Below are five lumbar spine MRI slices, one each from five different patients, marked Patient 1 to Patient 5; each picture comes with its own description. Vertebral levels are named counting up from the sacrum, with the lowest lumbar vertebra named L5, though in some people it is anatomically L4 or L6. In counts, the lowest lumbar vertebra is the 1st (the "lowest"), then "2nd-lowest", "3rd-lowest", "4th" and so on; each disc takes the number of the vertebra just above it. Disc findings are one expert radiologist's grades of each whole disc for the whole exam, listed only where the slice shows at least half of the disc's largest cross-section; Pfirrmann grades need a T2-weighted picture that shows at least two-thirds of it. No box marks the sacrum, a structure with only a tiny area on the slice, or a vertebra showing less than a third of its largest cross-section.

Patient 1 of 5:
Image 512x640, Slice 40 of 120, Slice spacing 0.9 mm, MRI lumbar spine (T2 SPACE (3D)), sagittal plane, Sex F
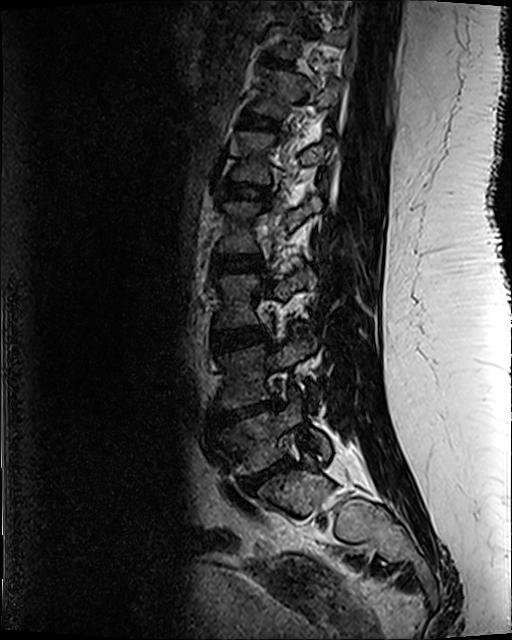

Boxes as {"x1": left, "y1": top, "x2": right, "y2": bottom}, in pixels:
intervertebral disc L2/L3 (4th disc): {"x1": 214, "y1": 256, "x2": 260, "y2": 273} | L1/L2 (5th disc): {"x1": 219, "y1": 184, "x2": 266, "y2": 198} | T12 (6th vertebra): {"x1": 257, "y1": 70, "x2": 339, "y2": 115} | L1 (5th vertebra): {"x1": 233, "y1": 132, "x2": 332, "y2": 184} | intervertebral disc L5/S1 (lowest disc): {"x1": 244, "y1": 461, "x2": 292, "y2": 487} | L2 (4th vertebra): {"x1": 221, "y1": 198, "x2": 320, "y2": 252} | L5 (lowest vertebra): {"x1": 219, "y1": 389, "x2": 330, "y2": 472} | L3 (3rd-lowest vertebra): {"x1": 218, "y1": 271, "x2": 315, "y2": 326} | intervertebral disc T12/L1 (6th disc): {"x1": 246, "y1": 117, "x2": 273, "y2": 126} | intervertebral disc L4/L5 (2nd-lowest disc): {"x1": 219, "y1": 403, "x2": 278, "y2": 421} | L3/L4 (3rd-lowest disc): {"x1": 212, "y1": 328, "x2": 267, "y2": 350} | L4 (2nd-lowest vertebra): {"x1": 221, "y1": 333, "x2": 316, "y2": 407}

Expert MSK radiologist gradings (per disc):
  L1/L2 (5th disc): Pfirrmann grade 3, lower-endplate change
  L5/S1 (lowest disc): disc narrowing, lower-endplate change, upper-endplate change, Modic type II, disc herniation
  L3/L4 (3rd-lowest disc): Pfirrmann grade 3
  L2/L3 (4th disc): Pfirrmann grade 3, upper-endplate change, lower-endplate change

Patient 2 of 5:
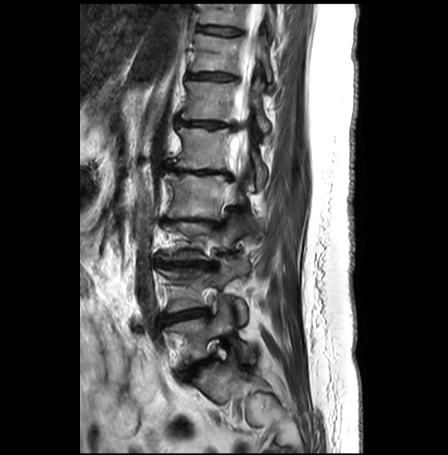
Sagittal T2-weighted lumbar spine MRI, Sex F

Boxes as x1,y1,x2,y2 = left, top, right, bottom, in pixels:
Thecal sac / spinal canal at 225,4,264,200; T12 at 181,79,269,132; L1 at 170,127,266,187; L2/L3 at 164,219,220,226; L3 at 159,218,247,259; T11 at 192,33,271,81; T10 at 199,4,275,36; intervertebral disc L1/L2 at 165,165,232,180; intervertebral disc L4/L5 at 163,309,207,322; intervertebral disc L3/L4 at 157,260,215,269; L5/S1 at 191,357,212,369; L5 vertebra at 166,300,251,362; L2 at 164,173,254,226; L4 at 158,255,248,322; intervertebral disc T10/T11 at 198,26,240,35; T11/T12 at 189,73,233,80; intervertebral disc T12/L1 at 177,119,231,127.

Radiological gradings:
• T10/T11: Pfirrmann grade 1
• T12/L1: Pfirrmann grade 4, Modic type II, lower-endplate change, upper-endplate change, disc bulging, disc narrowing
• L3/L4: disc bulging, Modic type II, lower-endplate change, upper-endplate change, disc narrowing
• T11/T12: Pfirrmann grade 2, disc bulging
• L1/L2: upper-endplate change, disc narrowing, lower-endplate change, Modic type II, disc bulging
• L4/L5: disc bulging, disc herniation, Modic type II, lower-endplate change, upper-endplate change, disc narrowing

Patient 3 of 5:
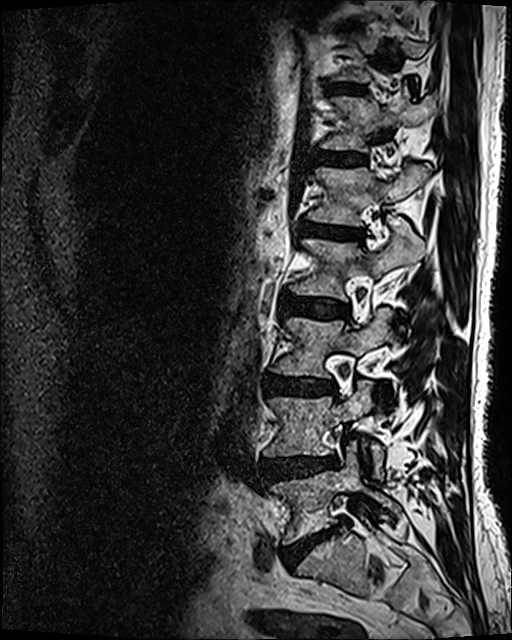
Sex M | Sagittal T2 SPACE (3D) lumbar spine MRI
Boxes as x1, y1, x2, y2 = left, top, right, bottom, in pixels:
{"6th disc": "318, 153, 364, 165", "3rd-lowest vertebra": "272, 307, 395, 376", "6th vertebra": "321, 87, 433, 152", "4th disc": "281, 293, 348, 320", "2nd-lowest vertebra": "264, 381, 383, 477", "5th disc": "300, 221, 363, 240", "lowest disc": "280, 520, 346, 568", "3rd-lowest disc": "263, 374, 335, 394", "lowest vertebra": "271, 452, 400, 543", "4th vertebra": "290, 232, 424, 301", "2nd-lowest disc": "261, 454, 336, 483", "5th vertebra": "307, 163, 430, 226", "7th disc": "326, 84, 364, 92"}

Per-level radiological findings:
• 5th disc: Pfirrmann grade 4, disc bulging, disc narrowing, lower-endplate change, upper-endplate change, Modic type II
• 4th disc: Pfirrmann grade 3, disc bulging
• 3rd-lowest disc: Pfirrmann grade 4, Modic type II, disc bulging, disc narrowing, lower-endplate change
• 2nd-lowest disc: disc bulging, disc herniation
• 6th disc: no Modic or endplate change, herniation, narrowing, bulging or spondylolisthesis recorded

Patient 4 of 5:
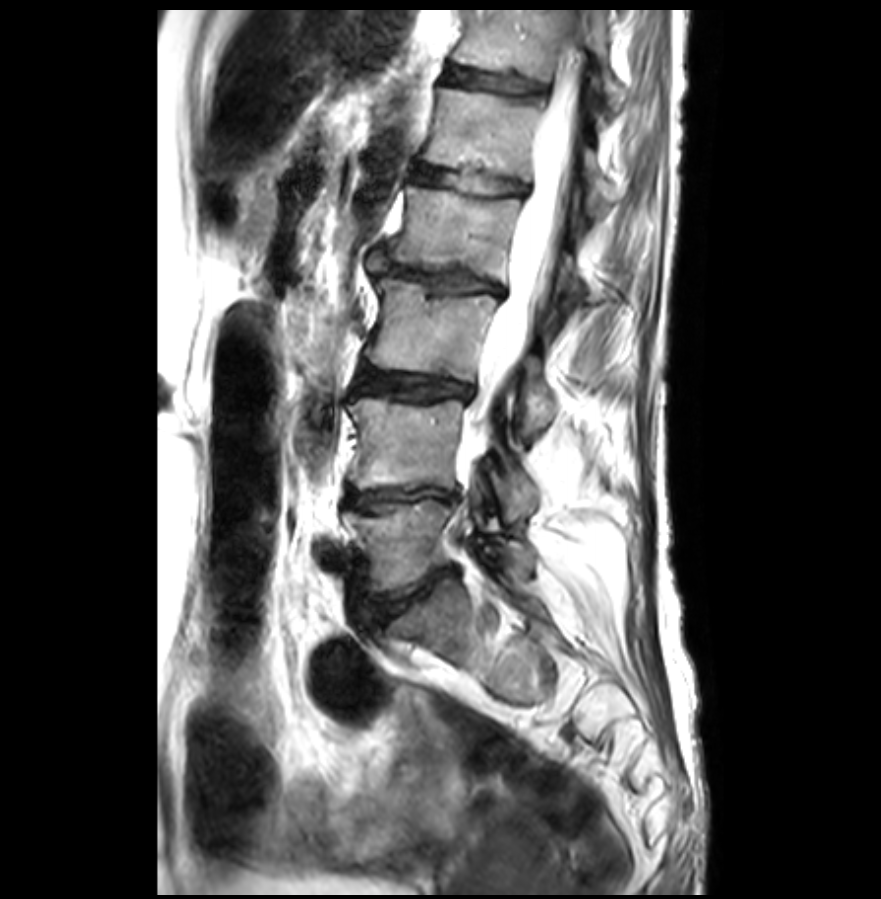

Slice 19/31, Image 881x899, MRI lumbar spine (T2-weighted), sagittal plane

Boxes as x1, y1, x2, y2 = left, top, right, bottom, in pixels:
Lowest disc at 372, 568, 455, 619; 4th vertebra at 387, 187, 587, 314; 3rd-lowest vertebra at 366, 275, 556, 435; spinal canal at 466, 58, 581, 428; lowest vertebra at 344, 498, 536, 592; 2nd-lowest vertebra at 348, 396, 536, 519; 5th vertebra at 425, 88, 619, 215; 6th disc at 446, 67, 548, 95; 4th disc at 368, 248, 501, 292; 3rd-lowest disc at 360, 368, 469, 399; 6th vertebra at 452, 9, 626, 110; 2nd-lowest disc at 344, 487, 457, 509; 5th disc at 417, 168, 526, 195.

Expert MSK radiologist gradings (per disc):
- 3rd-lowest disc: Pfirrmann grade 3, disc bulging, Modic type II
- 2nd-lowest disc: Pfirrmann grade 5, Modic type II, disc bulging, disc narrowing
- 6th disc: Pfirrmann grade 2, lower-endplate change, upper-endplate change
- 4th disc: Pfirrmann grade 5, disc herniation, upper-endplate change, lower-endplate change, Modic type II, disc narrowing, disc bulging
- 5th disc: Pfirrmann grade 2, Modic type II, lower-endplate change, upper-endplate change

Patient 5 of 5:
427x424 px. Slice 7/30. MRI lumbar spine (T2-weighted), sagittal plane.
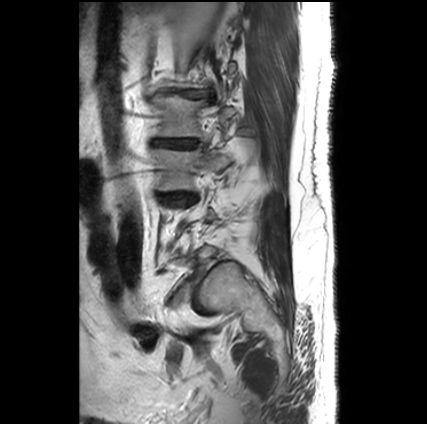 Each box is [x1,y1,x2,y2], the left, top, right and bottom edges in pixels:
L2 — [148,94,235,140].
L2/L3 — [152,138,198,148].
L1/L2 — [159,88,202,97].
L3 — [151,148,234,190].
L3/L4 — [160,193,195,201].

Expert MSK radiologist gradings (per disc):
• L2/L3: Pfirrmann grade 5, lower-endplate change, disc bulging, upper-endplate change, Modic type II, disc narrowing
• L3/L4: disc narrowing, lower-endplate change, Modic type II, disc bulging, upper-endplate change
• L1/L2: Pfirrmann grade 5, lower-endplate change, disc herniation, upper-endplate change, disc narrowing, Modic type II, disc bulging